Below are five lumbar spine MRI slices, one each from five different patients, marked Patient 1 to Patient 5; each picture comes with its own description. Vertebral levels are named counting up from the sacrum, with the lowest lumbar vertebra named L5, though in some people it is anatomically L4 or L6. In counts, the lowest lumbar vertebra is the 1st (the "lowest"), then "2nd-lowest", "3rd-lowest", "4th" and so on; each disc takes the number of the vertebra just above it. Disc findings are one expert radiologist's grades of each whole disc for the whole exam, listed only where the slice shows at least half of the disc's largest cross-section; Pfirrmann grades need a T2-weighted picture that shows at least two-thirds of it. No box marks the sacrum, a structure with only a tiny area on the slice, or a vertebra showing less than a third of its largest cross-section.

Patient 1 of 5:
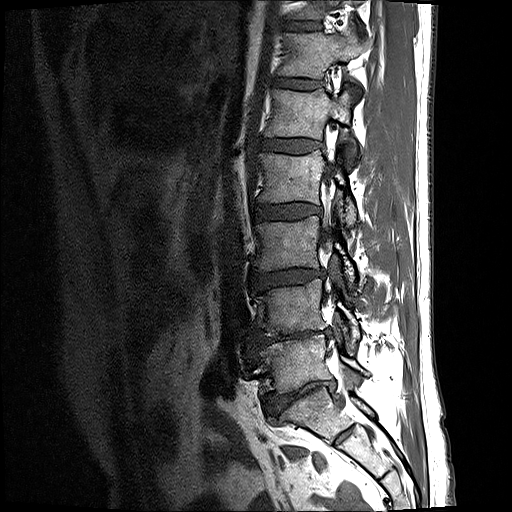

T1-weighted sagittal MRI of the lumbar spine | Slice 6/17
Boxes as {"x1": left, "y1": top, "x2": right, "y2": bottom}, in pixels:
T12/L1 (6th disc) at {"x1": 274, "y1": 78, "x2": 321, "y2": 89}, L5/S1 (lowest disc) at {"x1": 264, "y1": 382, "x2": 334, "y2": 415}, disc L2/L3 (4th disc) at {"x1": 254, "y1": 203, "x2": 320, "y2": 219}, T12 (6th vertebra) at {"x1": 278, "y1": 32, "x2": 366, "y2": 78}, T11/T12 (7th disc) at {"x1": 286, "y1": 21, "x2": 320, "y2": 30}, disc L1/L2 (5th disc) at {"x1": 260, "y1": 139, "x2": 319, "y2": 153}, L3 (3rd-lowest vertebra) at {"x1": 254, "y1": 216, "x2": 355, "y2": 287}, L4 (2nd-lowest vertebra) at {"x1": 253, "y1": 278, "x2": 360, "y2": 347}, L2 (4th vertebra) at {"x1": 258, "y1": 150, "x2": 356, "y2": 226}, L5 (lowest vertebra) at {"x1": 255, "y1": 334, "x2": 368, "y2": 393}, L3/L4 (3rd-lowest disc) at {"x1": 250, "y1": 269, "x2": 324, "y2": 289}, L1 (5th vertebra) at {"x1": 265, "y1": 89, "x2": 356, "y2": 155}, thecal sac / spinal canal at {"x1": 322, "y1": 174, "x2": 332, "y2": 301}, disc L4/L5 (2nd-lowest disc) at {"x1": 255, "y1": 329, "x2": 330, "y2": 348}.

Degenerative findings by level:
- L5/S1 (lowest disc): spondylolisthesis, lower-endplate change, disc narrowing, disc bulging
- L3/L4 (3rd-lowest disc): disc bulging, disc narrowing
- L4/L5 (2nd-lowest disc): Modic type II, lower-endplate change, disc narrowing, disc bulging
- T12/L1 (6th disc), T11/T12 (7th disc), L1/L2 (5th disc), L2/L3 (4th disc): no spondylolisthesis, narrowing, bulging, herniation, Modic or endplate change recorded

Patient 2 of 5:
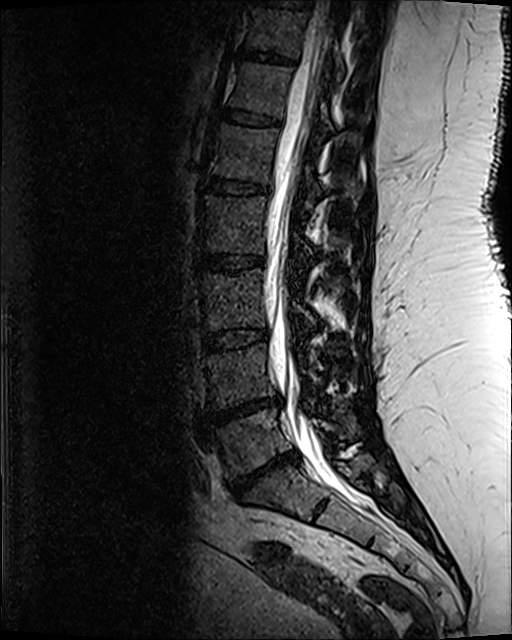

MRI lumbar spine (T2 SPACE (3D)), sagittal plane. Slice 66/120.
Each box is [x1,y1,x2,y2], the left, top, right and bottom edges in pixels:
L3/L4: [203,329,267,350].
L1 vertebra: [212,124,363,207].
L1/L2: [205,177,268,194].
T12: [229,63,334,129].
L3: [199,270,316,328].
T11: [245,7,344,76].
L2/L3: [199,255,263,272].
T12/L1: [222,109,279,124].
Thecal sac / spinal canal: [265,1,368,505].
Intervertebral disc T11/T12: [240,51,291,63].
L5/S1: [227,454,298,499].
L5: [206,410,359,476].
Intervertebral disc L4/L5: [212,400,279,423].
L4: [208,345,323,407].
L2 vertebra: [199,197,314,254].
T10/T11: [260,0,311,7].

Radiological gradings:
  L2/L3: Pfirrmann grade 3, upper-endplate change, lower-endplate change
  L1/L2: Pfirrmann grade 3, lower-endplate change
  L4/L5: disc herniation, upper-endplate change, disc narrowing, lower-endplate change, Modic type II
  L5/S1: Pfirrmann grade 5, lower-endplate change, disc herniation, disc narrowing, upper-endplate change, Modic type II
  T11/T12: Pfirrmann grade 3, lower-endplate change
  L3/L4: Pfirrmann grade 3
  T12/L1: Pfirrmann grade 3

Patient 3 of 5:
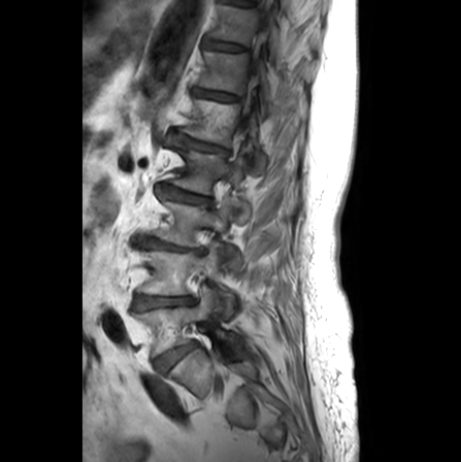 Lumbar spine MR, T1-weighted, sagittal

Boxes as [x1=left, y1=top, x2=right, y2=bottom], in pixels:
{"thecal sac / spinal canal": "[x1=245, y1=27, x2=268, y2=112]", "T11 (7th vertebra)": "[x1=208, y1=2, x2=317, y2=81]", "L3/L4 (3rd-lowest disc)": "[x1=136, y1=237, x2=203, y2=253]", "T12 (6th vertebra)": "[x1=198, y1=50, x2=307, y2=116]", "disc L4/L5 (2nd-lowest disc)": "[x1=133, y1=294, x2=194, y2=309]", "L5/S1 (lowest disc)": "[x1=154, y1=343, x2=197, y2=373]", "L3 (3rd-lowest vertebra)": "[x1=151, y1=193, x2=240, y2=269]", "T12/L1 (6th disc)": "[x1=193, y1=88, x2=239, y2=100]", "disc L2/L3 (4th disc)": "[x1=159, y1=184, x2=211, y2=203]", "disc L1/L2 (5th disc)": "[x1=171, y1=132, x2=228, y2=151]", "L1 (5th vertebra)": "[x1=179, y1=98, x2=267, y2=173]", "L4 (2nd-lowest vertebra)": "[x1=137, y1=243, x2=237, y2=316]", "L2 (4th vertebra)": "[x1=169, y1=144, x2=251, y2=222]", "L5 (lowest vertebra)": "[x1=134, y1=284, x2=240, y2=356]", "T11/T12 (7th disc)": "[x1=203, y1=39, x2=247, y2=50]"}

Per-level radiological findings:
- L2/L3 (4th disc): disc narrowing, lower-endplate change, upper-endplate change
- L1/L2 (5th disc): lower-endplate change, disc narrowing, disc bulging, upper-endplate change
- L3/L4 (3rd-lowest disc): lower-endplate change, disc narrowing, Modic type II, upper-endplate change
- L5/S1 (lowest disc): Modic type II
- T12/L1 (6th disc): upper-endplate change
- L4/L5 (2nd-lowest disc): disc narrowing, Modic type II
- T11/T12 (7th disc): no Modic or endplate change, herniation, narrowing, bulging or spondylolisthesis recorded

Patient 4 of 5:
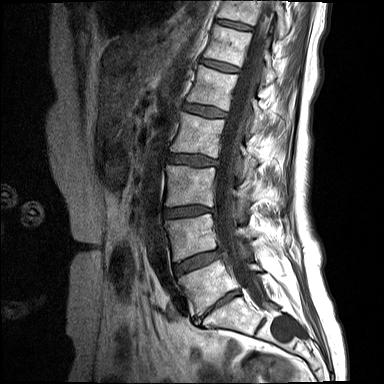

Field of view 280x280 mm, slice spacing 4.4 mm; Lumbar spine MR, T1-weighted, sagittal

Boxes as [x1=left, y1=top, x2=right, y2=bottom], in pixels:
Disc T11/T12: [x1=216, y1=19, x2=251, y2=30].
Spinal canal: [x1=215, y1=1, x2=274, y2=307].
L3/L4: [x1=164, y1=206, x2=214, y2=217].
L3: [x1=166, y1=165, x2=283, y2=206].
L5: [x1=178, y1=259, x2=261, y2=314].
L1/L2: [x1=184, y1=104, x2=226, y2=117].
T11: [x1=217, y1=0, x2=287, y2=38].
L1: [x1=187, y1=65, x2=268, y2=131].
L4 vertebra: [x1=165, y1=214, x2=253, y2=260].
Disc L5/S1: [x1=206, y1=290, x2=239, y2=313].
T12/L1: [x1=202, y1=59, x2=238, y2=71].
T12 vertebra: [x1=204, y1=24, x2=278, y2=82].
L2/L3: [x1=169, y1=155, x2=218, y2=166].
L2 vertebra: [x1=171, y1=112, x2=258, y2=164].
Disc L4/L5: [x1=173, y1=249, x2=221, y2=274].

Expert MSK radiologist gradings (per disc):
• L3/L4: Modic type II, disc bulging, disc narrowing
• L2/L3: disc bulging, Modic type II, upper-endplate change
• L5/S1: disc bulging, upper-endplate change, Modic type II, disc narrowing, lower-endplate change
• L1/L2: Modic type II
• L4/L5: disc bulging, Modic type II
• T11/T12, T12/L1: no herniation, bulging, narrowing, spondylolisthesis, endplate or Modic change recorded

Patient 5 of 5:
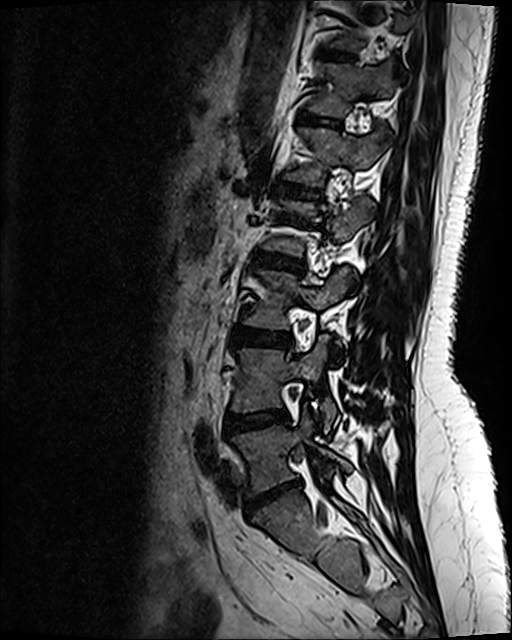
Image 512x640; Sex F; Lumbar spine MR, T2 SPACE (3D), sagittal
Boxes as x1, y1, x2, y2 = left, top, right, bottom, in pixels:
L4 (2nd-lowest vertebra) — 231, 335, 335, 431.
Disc L2/L3 (4th disc) — 254, 255, 302, 271.
T11/T12 (7th disc) — 318, 50, 353, 62.
L5 (lowest vertebra) — 231, 413, 351, 496.
T12/L1 (6th disc) — 299, 114, 336, 127.
Disc L3/L4 (3rd-lowest disc) — 233, 330, 290, 347.
L5/S1 (lowest disc) — 245, 483, 298, 516.
Disc L4/L5 (2nd-lowest disc) — 225, 413, 287, 433.
L1 (5th vertebra) — 287, 129, 384, 186.
L3 (3rd-lowest vertebra) — 243, 272, 350, 329.
Disc L1/L2 (5th disc) — 278, 183, 319, 198.
T12 (6th vertebra) — 307, 64, 394, 117.

Per-level radiological findings:
- L3/L4 (3rd-lowest disc): disc bulging
- L4/L5 (2nd-lowest disc): disc bulging
- T12/L1 (6th disc): lower-endplate change, upper-endplate change
- L2/L3 (4th disc): disc bulging, upper-endplate change, lower-endplate change
- L1/L2 (5th disc): upper-endplate change, lower-endplate change
- T11/T12 (7th disc): no spondylolisthesis, narrowing, bulging, herniation, Modic or endplate change recorded